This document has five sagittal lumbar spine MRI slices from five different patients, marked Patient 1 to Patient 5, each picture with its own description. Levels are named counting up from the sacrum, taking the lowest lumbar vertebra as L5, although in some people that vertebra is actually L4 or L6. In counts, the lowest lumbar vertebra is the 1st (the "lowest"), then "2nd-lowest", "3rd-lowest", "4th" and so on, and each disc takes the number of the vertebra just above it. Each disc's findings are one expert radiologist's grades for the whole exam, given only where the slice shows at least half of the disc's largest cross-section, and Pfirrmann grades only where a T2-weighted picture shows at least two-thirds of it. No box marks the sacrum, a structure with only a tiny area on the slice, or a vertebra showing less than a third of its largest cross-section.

Patient 1 of 5:
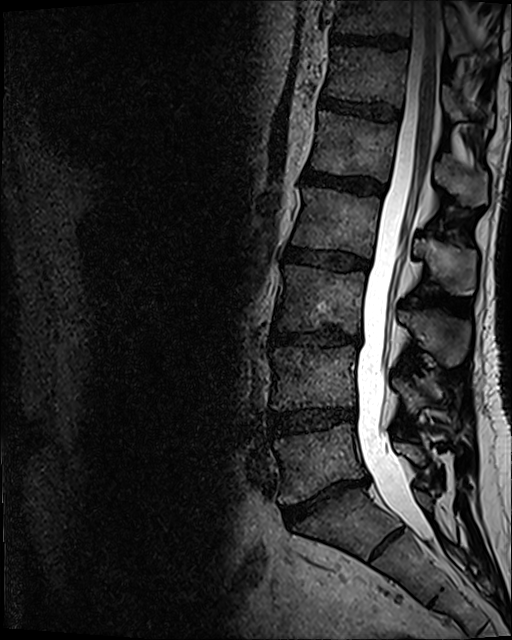 512x640 px. T2 SPACE (3D) sagittal MRI of the lumbar spine.

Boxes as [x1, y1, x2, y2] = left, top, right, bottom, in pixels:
7th disc at [330, 32, 407, 50].
3rd-lowest vertebra at [276, 264, 472, 367].
5th disc at [303, 169, 383, 194].
Lowest vertebra at [274, 423, 425, 503].
Lowest disc at [283, 476, 367, 521].
3rd-lowest disc at [272, 330, 361, 346].
4th disc at [287, 248, 368, 270].
Spinal canal at [356, 1, 441, 538].
5th vertebra at [311, 111, 487, 206].
6th disc at [321, 96, 399, 119].
2nd-lowest disc at [271, 407, 355, 432].
2nd-lowest vertebra at [272, 346, 426, 413].
6th vertebra at [325, 46, 493, 131].
4th vertebra at [292, 187, 476, 294].
7th vertebra at [334, 0, 474, 58].

Radiological gradings:
- 5th disc: Pfirrmann grade 4
- 4th disc: Pfirrmann grade 3, disc bulging
- 6th disc: Pfirrmann grade 3
- lowest disc: Pfirrmann grade 5, disc bulging, Modic type II, disc narrowing
- 7th disc: Pfirrmann grade 4
- 3rd-lowest disc: Pfirrmann grade 4, disc bulging, disc narrowing, lower-endplate change
- 2nd-lowest disc: Pfirrmann grade 3, disc narrowing, disc bulging

Patient 2 of 5:
Slice 7/15; Sagittal T1-weighted lumbar spine MRI
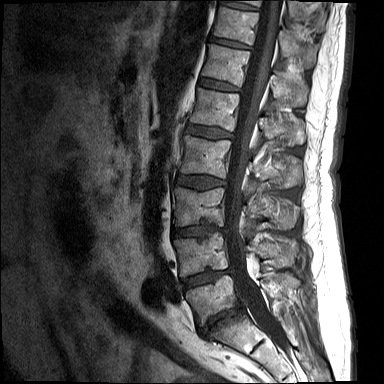

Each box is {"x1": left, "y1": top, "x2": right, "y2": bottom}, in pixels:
Annotations:
* 6th disc = {"x1": 199, "y1": 77, "x2": 239, "y2": 90}
* 4th disc = {"x1": 177, "y1": 175, "x2": 225, "y2": 189}
* 2nd-lowest disc = {"x1": 183, "y1": 268, "x2": 233, "y2": 288}
* lowest disc = {"x1": 199, "y1": 303, "x2": 242, "y2": 333}
* 2nd-lowest vertebra = {"x1": 174, "y1": 232, "x2": 297, "y2": 276}
* 6th vertebra = {"x1": 202, "y1": 44, "x2": 307, "y2": 106}
* 8th vertebra = {"x1": 240, "y1": 0, "x2": 301, "y2": 17}
* 7th disc = {"x1": 210, "y1": 37, "x2": 250, "y2": 48}
* 8th disc = {"x1": 220, "y1": 1, "x2": 258, "y2": 10}
* spinal canal = {"x1": 224, "y1": 0, "x2": 286, "y2": 351}
* 3rd-lowest disc = {"x1": 173, "y1": 225, "x2": 224, "y2": 236}
* 4th vertebra = {"x1": 180, "y1": 135, "x2": 302, "y2": 189}
* 3rd-lowest vertebra = {"x1": 173, "y1": 187, "x2": 298, "y2": 229}
* 5th vertebra = {"x1": 190, "y1": 88, "x2": 304, "y2": 144}
* lowest vertebra = {"x1": 186, "y1": 273, "x2": 301, "y2": 324}
* 5th disc = {"x1": 186, "y1": 123, "x2": 233, "y2": 138}
* 7th vertebra = {"x1": 212, "y1": 7, "x2": 316, "y2": 65}

Degenerative findings by level:
  2nd-lowest disc: Modic type II, lower-endplate change, disc narrowing, upper-endplate change, disc bulging
  5th disc: disc bulging, upper-endplate change
  lowest disc: disc bulging, disc narrowing, Modic type II, upper-endplate change, lower-endplate change
  4th disc: disc bulging
  3rd-lowest disc: disc bulging, disc narrowing, lower-endplate change, upper-endplate change
  6th disc, 7th disc, 8th disc: no Modic or endplate change, herniation, narrowing, bulging or spondylolisthesis recorded

Patient 3 of 5:
Sagittal slice index 6; Field of view 300x300 mm, slice spacing 3.3 mm; 512x512 px; MRI lumbar spine (T2-weighted), sagittal plane; Sex F

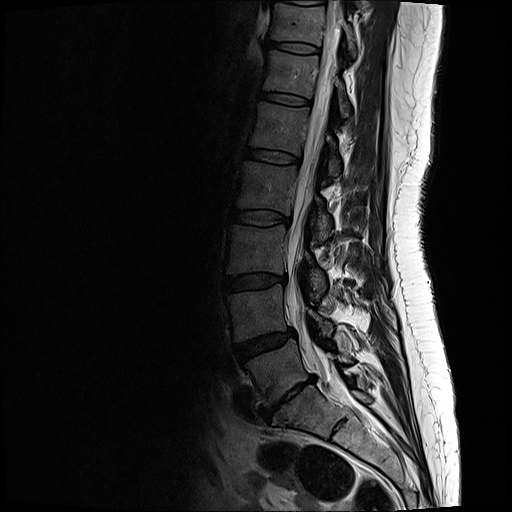 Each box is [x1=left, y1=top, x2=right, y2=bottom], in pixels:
L3/L4: [x1=223, y1=273, x2=284, y2=292]
L2 vertebra: [x1=235, y1=162, x2=330, y2=238]
L5: [x1=245, y1=340, x2=350, y2=405]
spinal canal: [x1=283, y1=1, x2=342, y2=377]
IVD L4/L5: [x1=234, y1=329, x2=292, y2=360]
L4 vertebra: [x1=227, y1=284, x2=331, y2=339]
T12: [x1=262, y1=50, x2=350, y2=114]
IVD T11/T12: [x1=266, y1=41, x2=317, y2=52]
T12/L1: [x1=259, y1=92, x2=308, y2=105]
L1/L2: [x1=244, y1=148, x2=298, y2=163]
L3: [x1=227, y1=225, x2=325, y2=293]
L1 vertebra: [x1=248, y1=102, x2=340, y2=174]
T11 vertebra: [x1=269, y1=3, x2=356, y2=56]
IVD L2/L3: [x1=230, y1=209, x2=288, y2=225]
IVD L5/S1: [x1=259, y1=376, x2=314, y2=420]

Per-level radiological findings:
  L3/L4: Pfirrmann grade 2, disc bulging
  T11/T12: Pfirrmann grade 2
  L1/L2: Pfirrmann grade 2
  L4/L5: Pfirrmann grade 3, disc bulging
  L5/S1: Pfirrmann grade 5, disc narrowing, disc herniation, Modic type III, lower-endplate change, disc bulging, upper-endplate change
  T12/L1: Pfirrmann grade 2
  L2/L3: Pfirrmann grade 2

Patient 4 of 5:
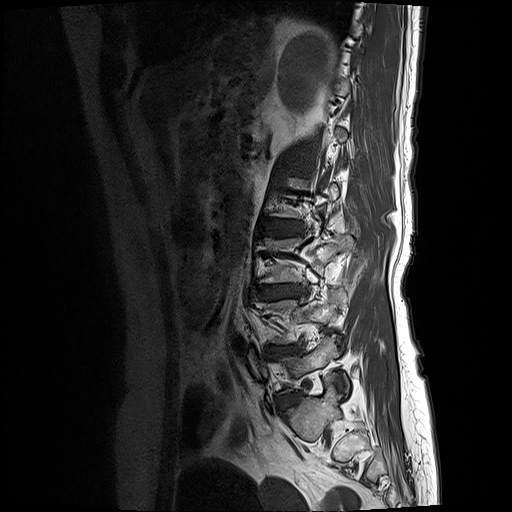

Lumbar spine MR, T1-weighted, sagittal, 512x512 px, Sex F

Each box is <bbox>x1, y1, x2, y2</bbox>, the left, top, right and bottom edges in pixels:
intervertebral disc L4/L5 (2nd-lowest disc) — <bbox>267, 345, 302, 357</bbox> | L5 (lowest vertebra) — <bbox>279, 335, 350, 394</bbox> | L2/L3 (4th disc) — <bbox>268, 223, 303, 234</bbox> | L3 (3rd-lowest vertebra) — <bbox>259, 235, 354, 283</bbox> | L4 (2nd-lowest vertebra) — <bbox>255, 289, 347, 344</bbox> | intervertebral disc L5/S1 (lowest disc) — <bbox>280, 394, 298, 405</bbox> | L3/L4 (3rd-lowest disc) — <bbox>252, 284, 305, 298</bbox>

Radiological gradings:
• L3/L4 (3rd-lowest disc): disc narrowing, Modic type II, disc bulging, lower-endplate change, upper-endplate change

Patient 5 of 5:
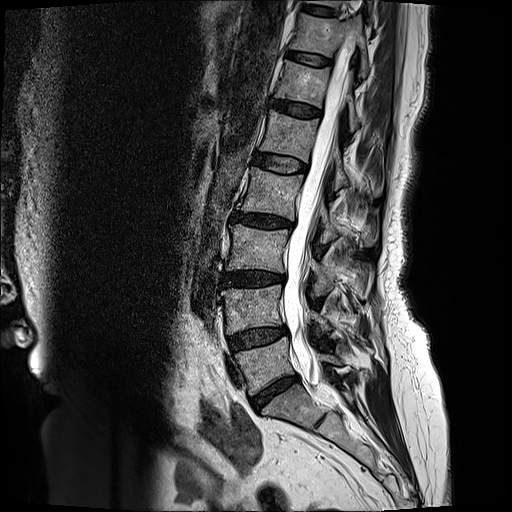 MRI lumbar spine (T2-weighted), sagittal plane | Slice 8 of 19 | Patient sex: F
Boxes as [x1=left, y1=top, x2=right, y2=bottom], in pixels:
2nd-lowest vertebra at [x1=222, y1=285, x2=332, y2=333].
3rd-lowest vertebra at [x1=227, y1=224, x2=333, y2=295].
5th disc at [x1=254, y1=153, x2=306, y2=172].
8th disc at [x1=304, y1=2, x2=334, y2=15].
Lowest disc at [x1=252, y1=378, x2=296, y2=411].
7th vertebra at [x1=291, y1=13, x2=368, y2=76].
6th vertebra at [x1=276, y1=60, x2=360, y2=130].
6th disc at [x1=271, y1=99, x2=322, y2=117].
Thecal sac / spinal canal at [x1=282, y1=39, x2=353, y2=397].
4th disc at [x1=233, y1=213, x2=292, y2=227].
Lowest vertebra at [x1=235, y1=338, x2=341, y2=394].
4th vertebra at [x1=238, y1=166, x2=375, y2=245].
5th vertebra at [x1=261, y1=110, x2=382, y2=197].
7th disc at [x1=290, y1=51, x2=332, y2=65].
3rd-lowest disc at [x1=221, y1=271, x2=285, y2=284].
2nd-lowest disc at [x1=228, y1=326, x2=287, y2=350].

Expert MSK radiologist gradings (per disc):
  5th disc: Pfirrmann grade 2
  2nd-lowest disc: Pfirrmann grade 3, disc bulging
  7th disc: Pfirrmann grade 2
  3rd-lowest disc: Pfirrmann grade 4, upper-endplate change, disc narrowing, lower-endplate change, disc bulging, Modic type II
  4th disc: Pfirrmann grade 4, upper-endplate change, lower-endplate change, Modic type II, disc bulging, disc narrowing
  6th disc: Pfirrmann grade 3, disc bulging
  lowest disc: Pfirrmann grade 4, disc bulging, disc narrowing
  8th disc: no herniation, bulging, narrowing, spondylolisthesis, endplate or Modic change recorded